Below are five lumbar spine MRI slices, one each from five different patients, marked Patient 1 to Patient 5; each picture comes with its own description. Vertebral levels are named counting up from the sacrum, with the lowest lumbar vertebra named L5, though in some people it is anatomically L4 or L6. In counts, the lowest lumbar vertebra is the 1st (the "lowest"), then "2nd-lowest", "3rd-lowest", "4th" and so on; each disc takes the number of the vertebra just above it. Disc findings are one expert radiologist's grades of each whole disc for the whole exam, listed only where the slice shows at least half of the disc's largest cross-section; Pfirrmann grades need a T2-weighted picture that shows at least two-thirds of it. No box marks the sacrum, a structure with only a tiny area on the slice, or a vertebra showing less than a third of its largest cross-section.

Patient 1 of 5:
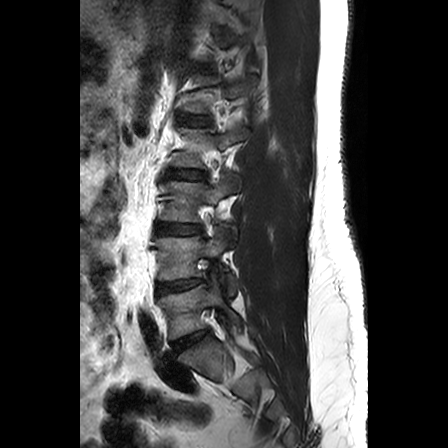 T2-weighted sagittal MRI of the lumbar spine
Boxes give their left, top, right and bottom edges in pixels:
3rd-lowest disc: left=155, top=223, right=201, bottom=234.
4th vertebra: left=172, top=126, right=248, bottom=167.
5th disc: left=177, top=115, right=209, bottom=125.
4th disc: left=166, top=170, right=205, bottom=179.
2nd-lowest disc: left=156, top=279, right=203, bottom=295.
Lowest disc: left=172, top=331, right=207, bottom=352.
Lowest vertebra: left=158, top=281, right=240, bottom=339.
2nd-lowest vertebra: left=154, top=228, right=237, bottom=295.
3rd-lowest vertebra: left=160, top=175, right=238, bottom=230.

Degenerative findings by level:
• lowest disc: disc bulging
• 4th disc: disc bulging
• 2nd-lowest disc: Pfirrmann grade 2
• 3rd-lowest disc: Pfirrmann grade 2
• 5th disc: no herniation, bulging, narrowing, spondylolisthesis, endplate or Modic change recorded

Patient 2 of 5:
Scanner: SIEMENS Avanto_fit (1.5T). Slice 44/143. 512x652 px. Field of view 240x306 mm. T2 SPACE (3D) sagittal MRI of the lumbar spine.
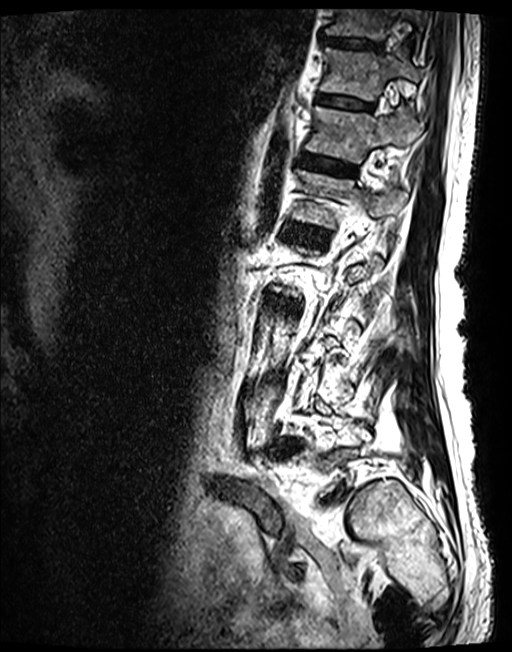 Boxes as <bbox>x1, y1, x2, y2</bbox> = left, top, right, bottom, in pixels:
Annotations:
• 6th vertebra: <bbox>305, 106, 422, 163</bbox>
• 6th disc: <bbox>298, 153, 356, 175</bbox>
• 7th disc: <bbox>315, 94, 372, 109</bbox>
• 8th disc: <bbox>320, 35, 381, 49</bbox>
• 5th vertebra: <bbox>291, 170, 407, 227</bbox>
• 5th disc: <bbox>289, 224, 329, 244</bbox>
• 4th disc: <bbox>269, 296, 293, 306</bbox>
• 7th vertebra: <bbox>319, 48, 421, 100</bbox>
• 8th vertebra: <bbox>325, 8, 423, 42</bbox>

Radiological gradings:
- 8th disc: Pfirrmann grade 3
- 7th disc: Pfirrmann grade 3
- 6th disc: Pfirrmann grade 3
- 5th disc: no spondylolisthesis, narrowing, bulging, herniation, Modic or endplate change recorded

Patient 3 of 5:
Field of view 300x300 mm. Sex F. Sagittal slice index 16. Sagittal T2-weighted lumbar spine MRI.
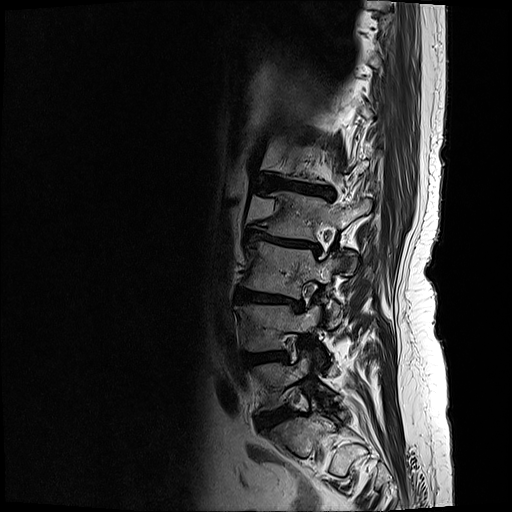
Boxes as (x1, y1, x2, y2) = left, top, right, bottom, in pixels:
L1/L2: (266, 178, 333, 197)
L3 vertebra: (242, 242, 341, 326)
intervertebral disc L4/L5: (242, 349, 288, 366)
L2 vertebra: (255, 191, 371, 239)
L5: (254, 351, 330, 410)
intervertebral disc L3/L4: (234, 289, 303, 310)
L4 vertebra: (234, 305, 320, 351)
intervertebral disc L2/L3: (245, 230, 318, 251)
L5/S1: (258, 407, 291, 429)

Expert MSK radiologist gradings (per disc):
  L2/L3: Pfirrmann grade 5, disc bulging, Modic type II, upper-endplate change, disc narrowing, lower-endplate change
  L4/L5: lower-endplate change, upper-endplate change, disc bulging
  L3/L4: Pfirrmann grade 5, disc bulging, upper-endplate change, disc narrowing, lower-endplate change, Modic type II
  L1/L2: Pfirrmann grade 5, lower-endplate change, disc narrowing, Modic type II, upper-endplate change, disc bulging

Patient 4 of 5:
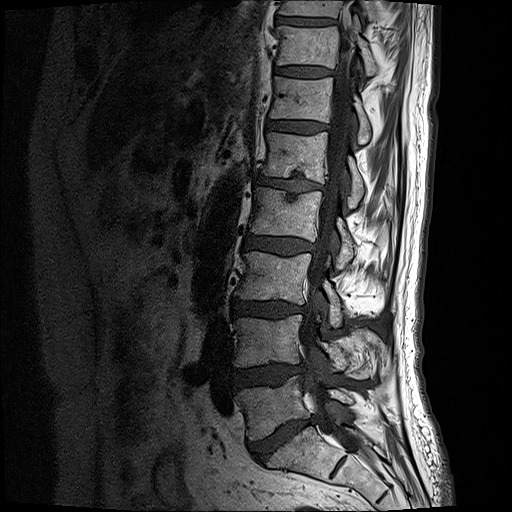 Sagittal slice index 12; Sagittal T1-weighted lumbar spine MRI
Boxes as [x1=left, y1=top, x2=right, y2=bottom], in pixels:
Intervertebral disc L3/L4 at [x1=232, y1=299, x2=304, y2=318], L1 vertebra at [x1=263, y1=131, x2=364, y2=208], thecal sac / spinal canal at [x1=299, y1=26, x2=362, y2=452], L1/L2 at [x1=257, y1=175, x2=324, y2=190], intervertebral disc T10/T11 at [x1=276, y1=15, x2=336, y2=24], intervertebral disc T11/T12 at [x1=276, y1=67, x2=331, y2=77], T11 at [x1=277, y1=16, x2=375, y2=76], L3 at [x1=236, y1=251, x2=342, y2=326], T10 vertebra at [x1=280, y1=0, x2=374, y2=22], L4/L5 at [x1=232, y1=363, x2=301, y2=389], L2 at [x1=251, y1=187, x2=353, y2=269], L5/S1 at [x1=247, y1=417, x2=316, y2=462], L2/L3 at [x1=244, y1=235, x2=312, y2=255], intervertebral disc T12/L1 at [x1=267, y1=121, x2=328, y2=133], L4 vertebra at [x1=235, y1=315, x2=367, y2=377], L5 at [x1=236, y1=375, x2=352, y2=439], T12 at [x1=271, y1=76, x2=371, y2=144].

Degenerative findings by level:
- L1/L2: lower-endplate change, upper-endplate change, disc narrowing, Modic type II, disc bulging
- L3/L4: disc narrowing, disc bulging, Modic type II, lower-endplate change
- L4/L5: disc herniation, disc bulging
- L5/S1: disc narrowing, disc bulging, lower-endplate change, Modic type II
- L2/L3: disc bulging
- T11/T12, T12/L1: no spondylolisthesis, narrowing, bulging, herniation, Modic or endplate change recorded

Patient 5 of 5:
Patient sex: M, 448x449 px, Sagittal T1-weighted lumbar spine MRI
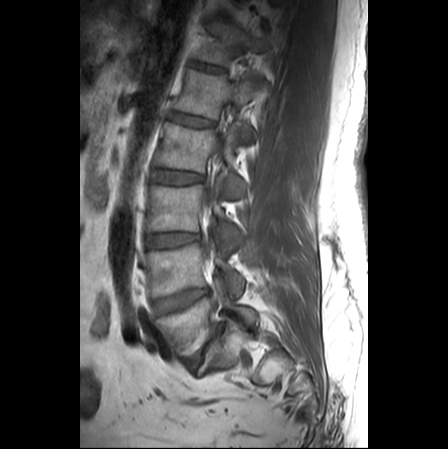
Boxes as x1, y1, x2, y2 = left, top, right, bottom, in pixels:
thecal sac / spinal canal: 207, 189, 212, 210
5th vertebra: 174, 70, 261, 142
3rd-lowest disc: 147, 232, 199, 247
4th vertebra: 154, 122, 245, 197
5th disc: 169, 112, 213, 126
2nd-lowest vertebra: 145, 243, 243, 298
4th disc: 152, 170, 203, 185
3rd-lowest vertebra: 147, 185, 239, 251
6th disc: 191, 62, 223, 72
2nd-lowest disc: 152, 289, 208, 314
lowest disc: 186, 328, 223, 369
6th vertebra: 196, 23, 266, 64
lowest vertebra: 156, 289, 257, 357

Degenerative findings by level:
• 2nd-lowest disc: Modic type II, disc bulging
• 3rd-lowest disc, 4th disc, 5th disc, 6th disc: no herniation, bulging, narrowing, spondylolisthesis, endplate or Modic change recorded